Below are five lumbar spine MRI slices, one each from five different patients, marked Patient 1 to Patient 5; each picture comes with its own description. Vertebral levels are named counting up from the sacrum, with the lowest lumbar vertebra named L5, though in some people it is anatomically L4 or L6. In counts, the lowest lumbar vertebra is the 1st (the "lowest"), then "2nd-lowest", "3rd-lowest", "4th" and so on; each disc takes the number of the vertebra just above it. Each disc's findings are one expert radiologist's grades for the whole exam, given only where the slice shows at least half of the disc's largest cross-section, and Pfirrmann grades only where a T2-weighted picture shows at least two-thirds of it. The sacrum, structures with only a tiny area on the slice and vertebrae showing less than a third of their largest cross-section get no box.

Patient 1 of 5:
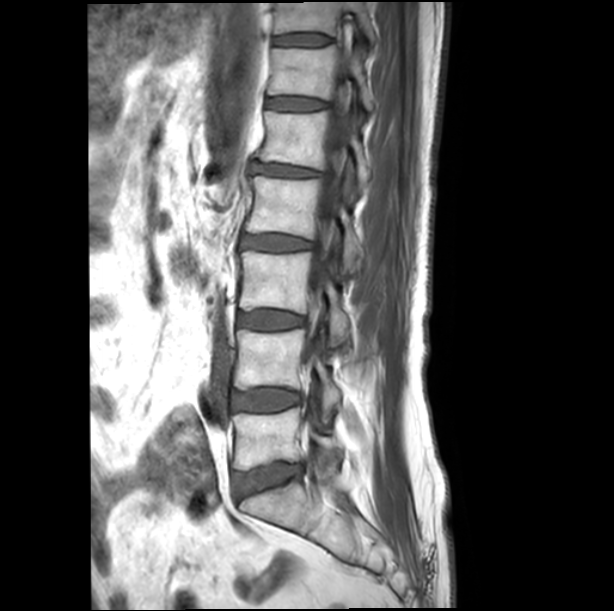 Slice 8 of 19, Lumbar spine MR, T1-weighted, sagittal, Patient sex: M
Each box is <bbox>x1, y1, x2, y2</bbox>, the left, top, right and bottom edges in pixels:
L4 (2nd-lowest vertebra) = <bbox>234, 329, 340, 413</bbox>.
Disc L2/L3 (4th disc) = <bbox>240, 234, 313, 251</bbox>.
Disc L3/L4 (3rd-lowest disc) = <bbox>238, 310, 304, 330</bbox>.
L1/L2 (5th disc) = <bbox>251, 163, 322, 176</bbox>.
L3 (3rd-lowest vertebra) = <bbox>239, 251, 348, 345</bbox>.
L2 (4th vertebra) = <bbox>245, 176, 362, 272</bbox>.
L5/S1 (lowest disc) = <bbox>233, 464, 303, 497</bbox>.
L1 (5th vertebra) = <bbox>257, 110, 370, 191</bbox>.
L5 (lowest vertebra) = <bbox>232, 407, 342, 470</bbox>.
T12 (6th vertebra) = <bbox>268, 45, 374, 110</bbox>.
T11/T12 (7th disc) = <bbox>274, 34, 330, 45</bbox>.
T11 (7th vertebra) = <bbox>274, 2, 374, 42</bbox>.
Disc T12/L1 (6th disc) = <bbox>267, 97, 325, 110</bbox>.
Spinal canal = <bbox>307, 82, 349, 363</bbox>.
L4/L5 (2nd-lowest disc) = <bbox>232, 389, 299, 410</bbox>.

Degenerative findings by level:
  L1/L2 (5th disc): disc bulging, disc narrowing
  L5/S1 (lowest disc): disc bulging
  L4/L5 (2nd-lowest disc), T11/T12 (7th disc), L2/L3 (4th disc), T12/L1 (6th disc), L3/L4 (3rd-lowest disc): no spondylolisthesis, narrowing, bulging, herniation, Modic or endplate change recorded

Patient 2 of 5:
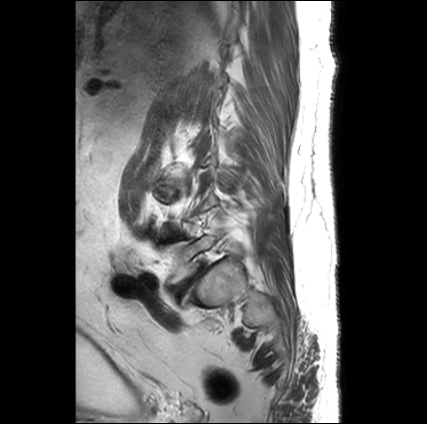 Sagittal T2-weighted lumbar spine MRI.
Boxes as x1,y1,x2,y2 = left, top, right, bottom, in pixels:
L4/L5 — 167,233,183,240.
L5 vertebra — 165,225,225,285.
Intervertebral disc L5/S1 — 172,268,203,296.

Patient 3 of 5:
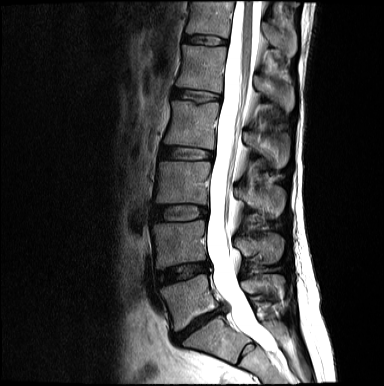 T2-weighted sagittal MRI of the lumbar spine | Slice 9 of 17 | Field of view 260x262 mm, slice spacing 4.8 mm
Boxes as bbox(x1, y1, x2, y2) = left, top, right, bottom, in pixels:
L3 vertebra at bbox(155, 162, 285, 218); intervertebral disc L3/L4 at bbox(153, 206, 207, 220); L2 vertebra at bbox(164, 100, 289, 168); intervertebral disc T12/L1 at bbox(184, 35, 226, 44); thecal sac / spinal canal at bbox(207, 0, 276, 351); L5/S1 at bbox(172, 306, 225, 342); L1 vertebra at bbox(176, 45, 294, 110); L5 at bbox(160, 274, 284, 330); L4 at bbox(152, 220, 283, 268); L1/L2 at bbox(173, 89, 221, 102); L4/L5 at bbox(158, 262, 209, 284); L2/L3 at bbox(160, 146, 213, 160); T12 at bbox(186, 1, 297, 56).

Expert MSK radiologist gradings (per disc):
- T12/L1: Pfirrmann grade 2
- L4/L5: Pfirrmann grade 4, disc bulging, disc narrowing
- L2/L3: Pfirrmann grade 2
- L5/S1: Pfirrmann grade 5, lower-endplate change, disc narrowing, disc herniation
- L3/L4: Pfirrmann grade 2
- L1/L2: Pfirrmann grade 2, upper-endplate change

Patient 4 of 5:
Lumbar spine MR, T1-weighted, sagittal | 414x418 px 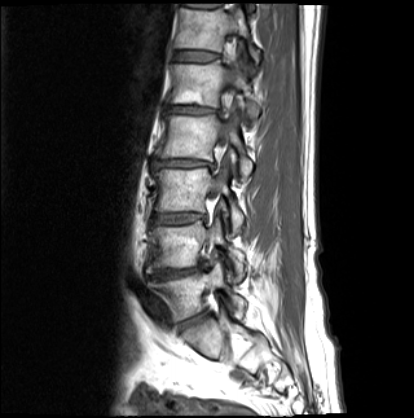
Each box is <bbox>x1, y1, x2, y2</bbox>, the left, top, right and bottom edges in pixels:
Spinal canal: <bbox>214, 34, 236, 194</bbox>.
L4 vertebra: <bbox>146, 219, 244, 281</bbox>.
IVD L4/L5: <bbox>150, 262, 206, 278</bbox>.
IVD L2/L3: <bbox>151, 159, 214, 168</bbox>.
L3: <bbox>153, 168, 244, 234</bbox>.
L5/S1: <bbox>180, 315, 205, 329</bbox>.
L1/L2: <bbox>167, 106, 220, 113</bbox>.
T12/L1: <bbox>173, 51, 219, 61</bbox>.
L2 vertebra: <bbox>155, 114, 251, 181</bbox>.
L5: <bbox>148, 262, 246, 320</bbox>.
L1: <bbox>170, 60, 262, 121</bbox>.
T12 vertebra: <bbox>175, 8, 259, 64</bbox>.
L3/L4: <bbox>153, 213, 206, 224</bbox>.

Radiological gradings:
• L3/L4: disc bulging, Modic type II, disc narrowing
• L2/L3: upper-endplate change, lower-endplate change, disc bulging, Modic type II, disc narrowing
• L4/L5: lower-endplate change, upper-endplate change, disc bulging, Modic type II, disc narrowing
• L1/L2: disc narrowing, Modic type II, disc bulging, upper-endplate change, lower-endplate change
• T12/L1: no spondylolisthesis, narrowing, bulging, herniation, Modic or endplate change recorded

Patient 5 of 5:
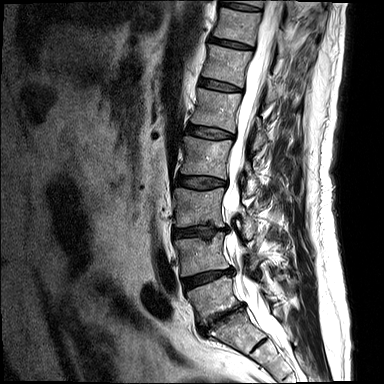 Slice 6/15 | Sagittal T2-weighted lumbar spine MRI

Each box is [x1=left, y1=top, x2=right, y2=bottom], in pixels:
disc L3/L4: [x1=173, y1=226, x2=227, y2=239]
L2: [x1=181, y1=137, x2=259, y2=195]
disc L2/L3: [x1=178, y1=176, x2=226, y2=189]
L1 vertebra: [x1=192, y1=88, x2=267, y2=149]
L5: [x1=188, y1=276, x2=272, y2=323]
T11/T12: [x1=210, y1=37, x2=250, y2=48]
L4 vertebra: [x1=175, y1=232, x2=262, y2=275]
disc T12/L1: [x1=200, y1=78, x2=240, y2=91]
T11: [x1=214, y1=8, x2=286, y2=53]
disc L5/S1: [x1=199, y1=304, x2=244, y2=334]
T12: [x1=203, y1=44, x2=277, y2=103]
L3 vertebra: [x1=173, y1=188, x2=256, y2=239]
thecal sac / spinal canal: [x1=224, y1=0, x2=286, y2=349]
disc T10/T11: [x1=219, y1=2, x2=258, y2=11]
T10: [x1=224, y1=0, x2=295, y2=16]
L4/L5: [x1=183, y1=269, x2=232, y2=288]
disc L1/L2: [x1=187, y1=124, x2=233, y2=138]

Radiological gradings:
  L5/S1: Pfirrmann grade 5, Modic type II, disc bulging, lower-endplate change, disc narrowing, upper-endplate change
  T12/L1: Pfirrmann grade 1
  T10/T11: Pfirrmann grade 1
  L2/L3: Pfirrmann grade 2, disc bulging
  T11/T12: Pfirrmann grade 1
  L4/L5: Pfirrmann grade 3, Modic type II, disc bulging, disc narrowing, lower-endplate change, upper-endplate change
  L1/L2: Pfirrmann grade 2, upper-endplate change, disc bulging
  L3/L4: Pfirrmann grade 3, upper-endplate change, disc bulging, lower-endplate change, disc narrowing